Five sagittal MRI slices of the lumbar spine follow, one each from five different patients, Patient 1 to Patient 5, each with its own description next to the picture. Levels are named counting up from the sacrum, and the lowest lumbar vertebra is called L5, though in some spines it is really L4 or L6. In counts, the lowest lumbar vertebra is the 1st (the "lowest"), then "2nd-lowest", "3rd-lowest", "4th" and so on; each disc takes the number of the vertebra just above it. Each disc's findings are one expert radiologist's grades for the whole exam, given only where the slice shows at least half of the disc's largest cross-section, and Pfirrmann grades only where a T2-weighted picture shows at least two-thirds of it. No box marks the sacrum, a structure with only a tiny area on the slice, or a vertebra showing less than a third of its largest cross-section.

Patient 1 of 5:
Slice 38/120 | Lumbar spine MR, T2 SPACE (3D), sagittal | Scanner: SIEMENS Avanto_fit (1.5T) | Field of view 240x300 mm 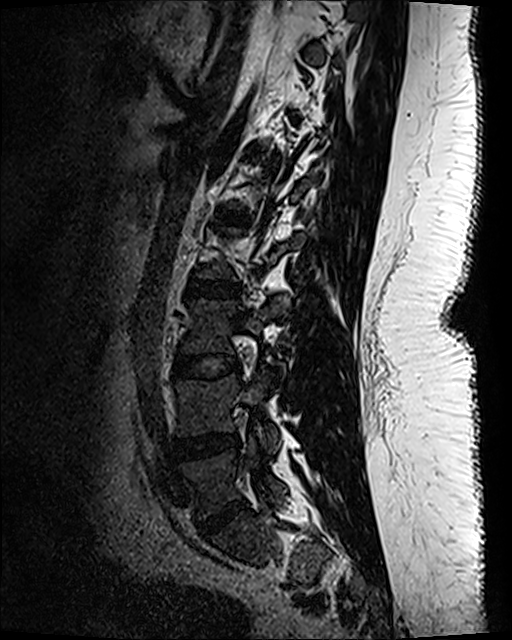
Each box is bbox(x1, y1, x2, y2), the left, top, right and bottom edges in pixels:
3rd-lowest vertebra: bbox(181, 300, 288, 373)
5th disc: bbox(214, 208, 250, 226)
lowest vertebra: bbox(180, 440, 286, 516)
2nd-lowest vertebra: bbox(177, 372, 281, 451)
4th disc: bbox(186, 277, 241, 298)
3rd-lowest disc: bbox(174, 354, 239, 378)
lowest disc: bbox(198, 500, 246, 534)
2nd-lowest disc: bbox(175, 434, 236, 461)

Per-level radiological findings:
• 3rd-lowest disc: Pfirrmann grade 1
• lowest disc: disc narrowing, disc bulging
• 2nd-lowest disc: Pfirrmann grade 3, disc narrowing, disc bulging
• 4th disc: no Modic or endplate change, herniation, narrowing, bulging or spondylolisthesis recorded

Patient 2 of 5:
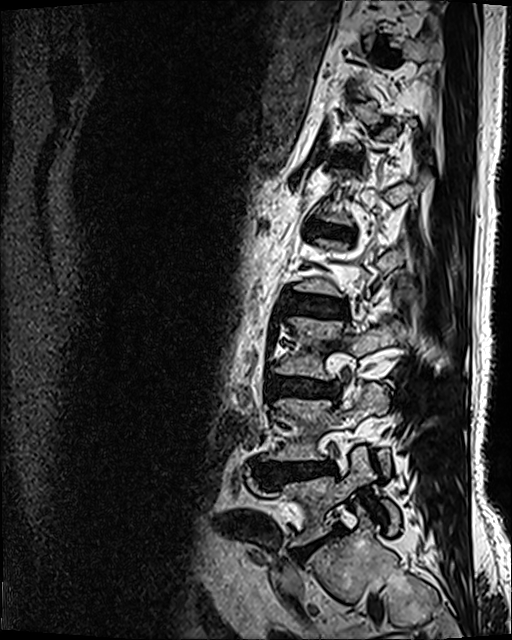 Sex M | Slice 37/120 | Lumbar spine MR, T2 SPACE (3D), sagittal

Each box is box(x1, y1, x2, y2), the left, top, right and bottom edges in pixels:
{"3rd-lowest disc": "box(267, 376, 340, 398)", "lowest vertebra": "box(259, 447, 399, 545)", "lowest disc": "box(295, 529, 339, 559)", "2nd-lowest disc": "box(257, 462, 334, 486)", "6th disc": "box(338, 157, 350, 161)", "5th disc": "box(309, 224, 350, 237)", "4th disc": "box(284, 293, 345, 316)", "2nd-lowest vertebra": "box(268, 382, 390, 474)", "3rd-lowest vertebra": "box(273, 317, 406, 379)"}

Degenerative findings by level:
• 3rd-lowest disc: Pfirrmann grade 4, disc bulging, disc narrowing, Modic type II, lower-endplate change
• 4th disc: disc bulging
• 2nd-lowest disc: disc herniation, disc bulging

Patient 3 of 5:
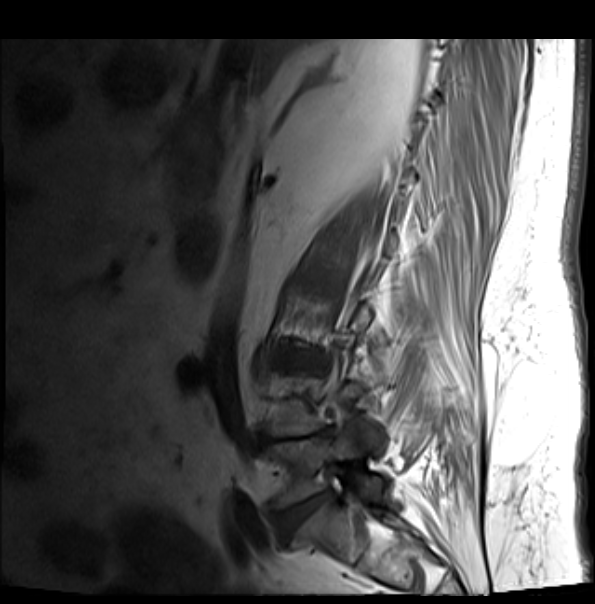
Sex M, Slice 5 of 20, Sagittal T1-weighted lumbar spine MRI
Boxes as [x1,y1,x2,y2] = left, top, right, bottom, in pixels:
• lowest disc = [283,492,330,527]
• 2nd-lowest disc = [262,428,330,444]
• lowest vertebra = [264,424,382,509]

Patient 4 of 5:
Sagittal slice index 9, MRI lumbar spine (T2-weighted), sagittal plane
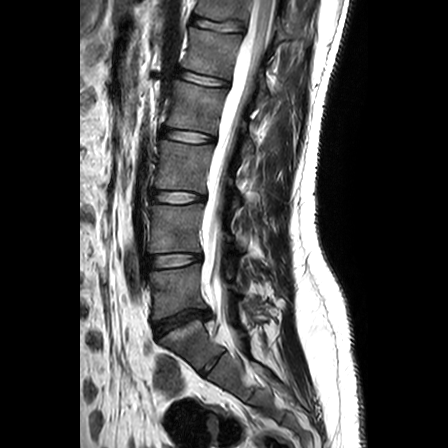

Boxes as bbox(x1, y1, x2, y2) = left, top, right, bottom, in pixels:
intervertebral disc L5/S1: bbox(153, 309, 210, 337) | L4/L5: bbox(148, 254, 201, 268) | T12: bbox(196, 0, 287, 39) | L3 vertebra: bbox(155, 140, 241, 205) | L1/L2: bbox(177, 69, 228, 86) | L2 vertebra: bbox(167, 80, 253, 157) | L4: bbox(150, 204, 242, 252) | intervertebral disc L3/L4: bbox(152, 190, 204, 202) | spinal canal: bbox(202, 0, 275, 324) | L5 vertebra: bbox(150, 264, 239, 319) | L2/L3: bbox(161, 128, 214, 142) | L1 vertebra: bbox(183, 28, 268, 102) | intervertebral disc T12/L1: bbox(193, 17, 242, 32)

Radiological gradings:
  L3/L4: Pfirrmann grade 1
  T12/L1: Pfirrmann grade 1
  L4/L5: Pfirrmann grade 1
  L2/L3: Pfirrmann grade 1
  L1/L2: Pfirrmann grade 1
  L5/S1: Pfirrmann grade 3, Modic type II, lower-endplate change, upper-endplate change, disc herniation

Patient 5 of 5:
Sex M. Sagittal T2 SPACE (3D) lumbar spine MRI.
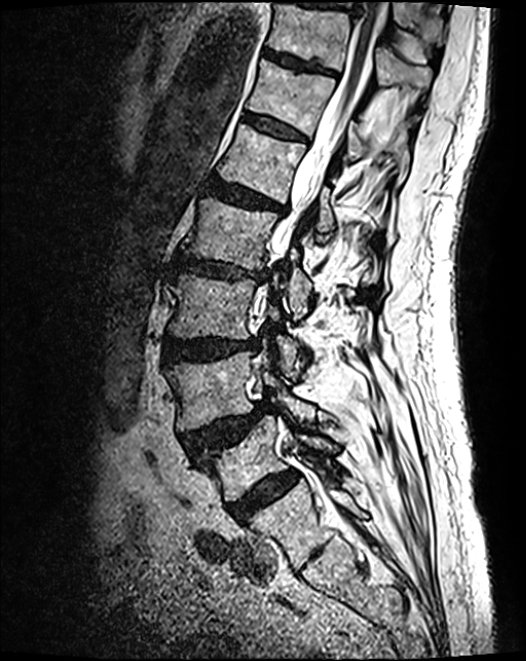

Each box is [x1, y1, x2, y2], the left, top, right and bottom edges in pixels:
Annotations:
- disc T11/T12 — [264, 50, 336, 75]
- L3/L4 — [164, 340, 257, 365]
- disc L5/S1 — [228, 472, 297, 522]
- spinal canal — [254, 0, 381, 317]
- L1/L2 — [205, 179, 284, 214]
- L4 — [169, 354, 316, 430]
- L1 vertebra — [218, 124, 335, 234]
- disc L2/L3 — [172, 252, 268, 284]
- disc T12/L1 — [244, 114, 306, 141]
- L4/L5 — [184, 405, 268, 456]
- T12 vertebra — [247, 61, 406, 165]
- L3 — [169, 276, 304, 379]
- L2 vertebra — [182, 197, 311, 311]
- T11 — [268, 3, 430, 96]
- L5 vertebra — [202, 417, 336, 501]

Radiological gradings:
• L1/L2: Pfirrmann grade 4, disc bulging, lower-endplate change, upper-endplate change
• T12/L1: Pfirrmann grade 3
• L2/L3: Pfirrmann grade 4, upper-endplate change, disc bulging, disc narrowing, lower-endplate change
• L5/S1: Pfirrmann grade 4
• L4/L5: Pfirrmann grade 4, upper-endplate change, disc herniation, spondylolisthesis
• L3/L4: Pfirrmann grade 4, disc bulging
• T11/T12: Pfirrmann grade 3, lower-endplate change